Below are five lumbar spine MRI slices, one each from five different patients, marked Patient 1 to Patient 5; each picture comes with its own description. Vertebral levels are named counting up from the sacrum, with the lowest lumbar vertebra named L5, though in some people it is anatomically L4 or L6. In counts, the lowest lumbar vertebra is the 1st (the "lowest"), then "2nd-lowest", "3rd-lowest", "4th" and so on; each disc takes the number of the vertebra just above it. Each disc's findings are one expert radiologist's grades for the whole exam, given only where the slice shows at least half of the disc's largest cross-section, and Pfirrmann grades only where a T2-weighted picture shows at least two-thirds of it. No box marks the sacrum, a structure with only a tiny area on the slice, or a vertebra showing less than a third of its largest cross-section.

Patient 1 of 5:
MRI lumbar spine (T1-weighted), sagittal plane | SIEMENS Avanto_fit (1.5T) 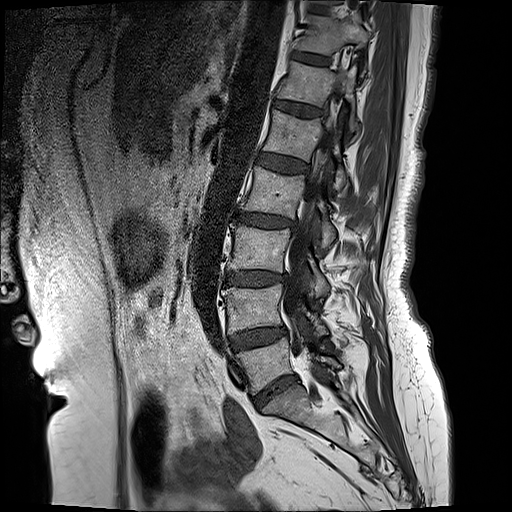

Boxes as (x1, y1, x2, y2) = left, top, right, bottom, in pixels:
* intervertebral disc L2/L3 at (234, 213, 293, 227)
* T12/L1 at (273, 100, 321, 117)
* intervertebral disc L1/L2 at (254, 153, 309, 173)
* T11 at (297, 18, 367, 53)
* L4 at (222, 284, 327, 337)
* L2 at (241, 166, 335, 247)
* intervertebral disc L3/L4 at (223, 271, 287, 284)
* T12 at (279, 62, 358, 133)
* thecal sac / spinal canal at (283, 116, 336, 357)
* intervertebral disc T10/T11 at (311, 6, 328, 13)
* L5 vertebra at (237, 338, 340, 393)
* intervertebral disc L5/S1 at (255, 378, 294, 408)
* T11/T12 at (294, 51, 328, 65)
* L1 at (263, 110, 346, 190)
* L4/L5 at (231, 326, 287, 350)
* L3 vertebra at (228, 225, 329, 297)

Radiological gradings:
- L4/L5: disc bulging
- L3/L4: disc narrowing, lower-endplate change, upper-endplate change, Modic type II, disc bulging
- L5/S1: disc bulging, disc narrowing
- L2/L3: Modic type II, upper-endplate change, disc bulging, lower-endplate change, disc narrowing
- T12/L1: disc bulging
- T11/T12, L1/L2: no spondylolisthesis, narrowing, bulging, herniation, Modic or endplate change recorded

Patient 2 of 5:
Slice 10 of 18; MRI lumbar spine (T2-weighted), sagittal plane

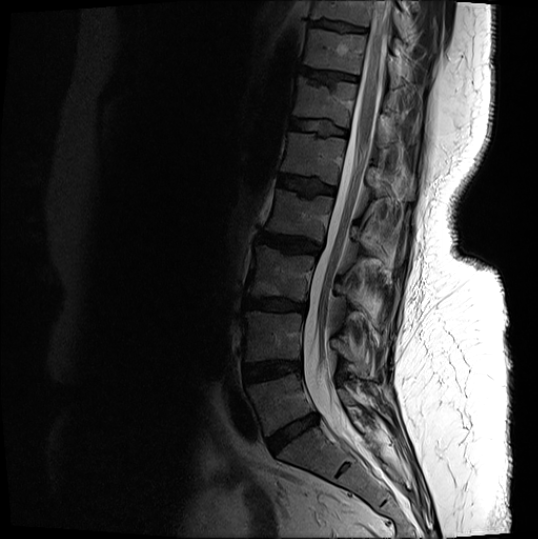 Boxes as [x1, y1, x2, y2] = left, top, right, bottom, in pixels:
- L4 vertebra: [244, 311, 368, 378]
- disc T11/T12: [299, 67, 357, 83]
- disc L4/L5: [243, 360, 301, 381]
- L3: [247, 245, 357, 306]
- L2: [266, 189, 402, 261]
- T10/T11: [309, 20, 366, 32]
- L5/S1: [267, 414, 318, 452]
- spinal canal: [302, 1, 390, 455]
- L5: [246, 374, 354, 435]
- T10 vertebra: [311, 1, 406, 38]
- T12 vertebra: [292, 77, 394, 146]
- L3/L4: [244, 298, 306, 311]
- T12/L1: [290, 119, 346, 136]
- disc L1/L2: [279, 175, 335, 196]
- L2/L3: [258, 232, 321, 254]
- L1 vertebra: [281, 132, 414, 200]
- T11: [304, 29, 402, 87]

Degenerative findings by level:
  L3/L4: Pfirrmann grade 4, Modic type II, lower-endplate change, upper-endplate change, disc bulging, disc narrowing
  T12/L1: Pfirrmann grade 3, upper-endplate change, lower-endplate change
  L1/L2: Pfirrmann grade 4, lower-endplate change, upper-endplate change, Modic type II
  L2/L3: Pfirrmann grade 4, upper-endplate change, disc bulging, lower-endplate change
  L5/S1: Pfirrmann grade 4, disc narrowing, disc bulging
  T11/T12: Pfirrmann grade 4, upper-endplate change
  L4/L5: Pfirrmann grade 4, disc bulging, lower-endplate change, Modic type II
  T10/T11: Pfirrmann grade 4, upper-endplate change, lower-endplate change

Patient 3 of 5:
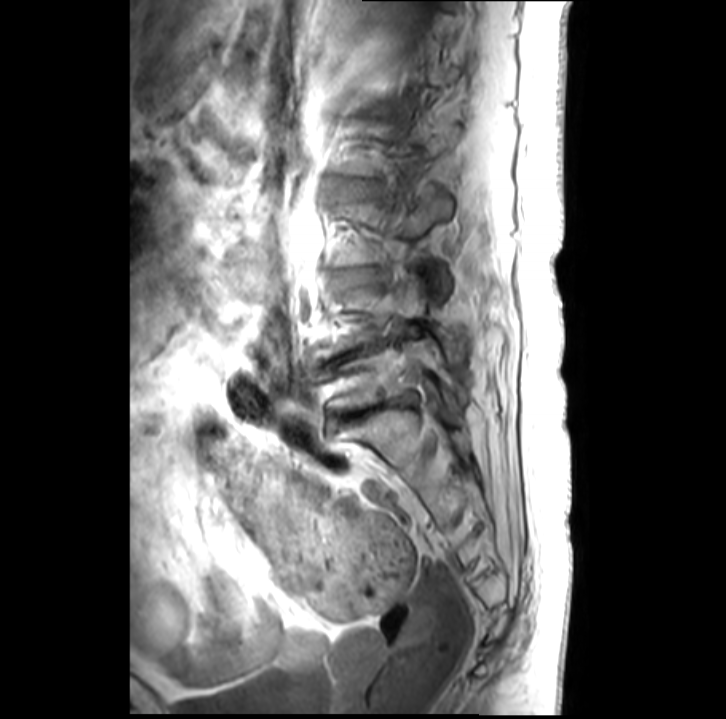
Patient sex: F; Lumbar spine MR, T1-weighted, sagittal

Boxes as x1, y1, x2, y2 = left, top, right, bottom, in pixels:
L3 — 336, 195, 451, 294 | disc L5/S1 — 341, 393, 413, 417 | disc L2/L3 — 342, 184, 372, 192 | disc L3/L4 — 341, 270, 374, 284 | L5 vertebra — 328, 337, 467, 409 | L4 vertebra — 310, 276, 465, 360 | L4/L5 — 330, 340, 386, 363

Radiological gradings:
• L5/S1: Modic type II, disc narrowing

Patient 4 of 5:
Sagittal T1-weighted lumbar spine MRI. Philips Healthcare Ingenia (3T).
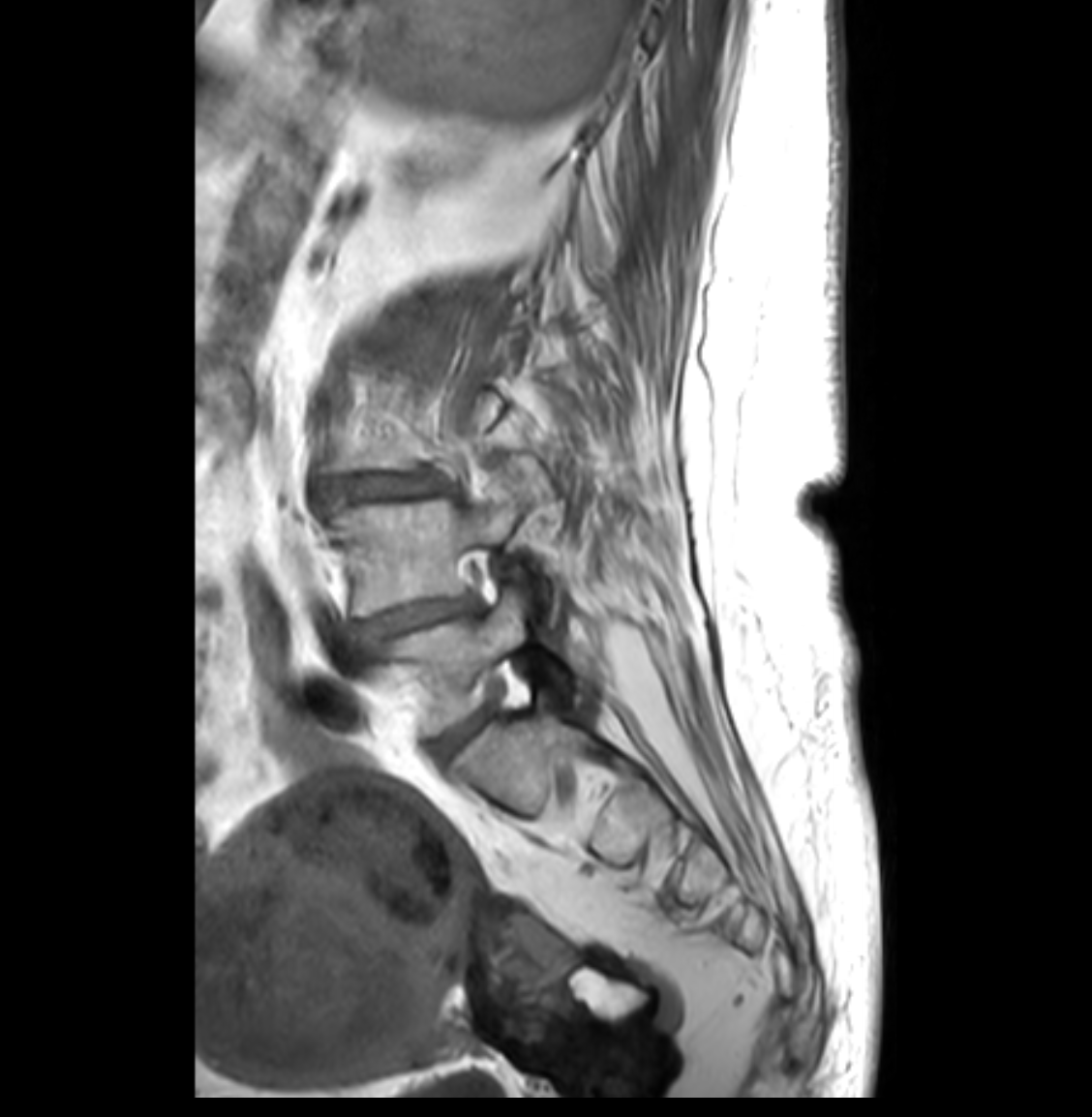

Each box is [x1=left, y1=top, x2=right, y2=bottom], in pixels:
Disc L3/L4 at [x1=321, y1=473, x2=445, y2=505], L4/L5 at [x1=356, y1=597, x2=472, y2=639], disc L5/S1 at [x1=432, y1=708, x2=492, y2=756], L5 vertebra at [x1=380, y1=590, x2=528, y2=735], L4 vertebra at [x1=331, y1=498, x2=558, y2=616].

Degenerative findings by level:
• L3/L4: spondylolisthesis, disc narrowing, disc bulging
• L4/L5: disc narrowing, disc bulging

Patient 5 of 5:
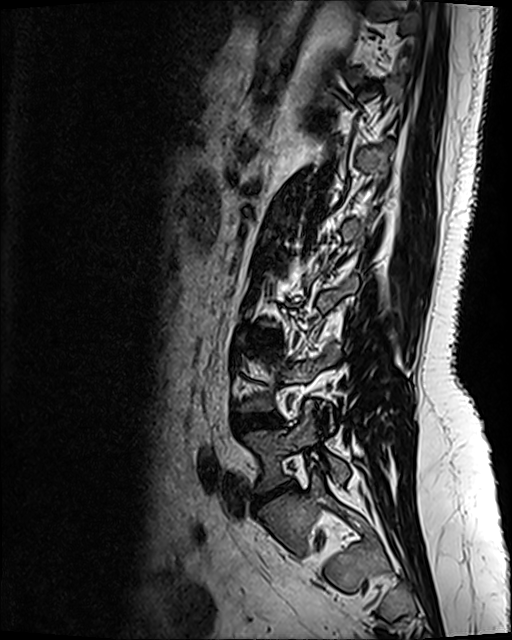 Patient sex: F; MRI lumbar spine (T2 SPACE (3D)), sagittal plane; Sagittal slice index 36; Image 512x640
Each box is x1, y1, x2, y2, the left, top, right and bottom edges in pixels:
Disc L3/L4 at 249, 331, 281, 346; L5 at 244, 401, 348, 491; L5/S1 at 255, 486, 290, 504; disc L2/L3 at 274, 257, 284, 266; L4 at 239, 344, 340, 428; disc L4/L5 at 231, 413, 281, 431.